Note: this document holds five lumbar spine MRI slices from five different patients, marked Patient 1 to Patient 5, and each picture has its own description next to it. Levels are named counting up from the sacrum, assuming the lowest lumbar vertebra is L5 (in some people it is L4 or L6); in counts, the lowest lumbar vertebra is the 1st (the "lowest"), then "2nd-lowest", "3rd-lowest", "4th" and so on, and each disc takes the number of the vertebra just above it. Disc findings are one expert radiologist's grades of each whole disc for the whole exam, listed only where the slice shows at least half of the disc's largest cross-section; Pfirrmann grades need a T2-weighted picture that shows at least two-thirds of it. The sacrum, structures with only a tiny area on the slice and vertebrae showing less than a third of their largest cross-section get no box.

Patient 1 of 5:
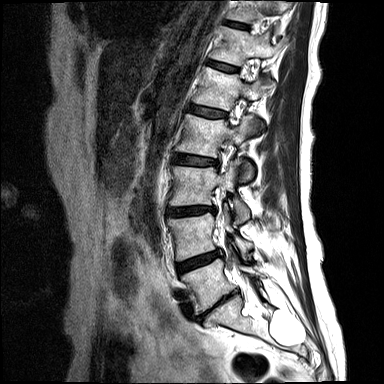

Sagittal T2-weighted lumbar spine MRI, Patient sex: F, Slice spacing 4.4 mm, Slice 11/15
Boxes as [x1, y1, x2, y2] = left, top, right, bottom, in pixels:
Segmented structures:
- intervertebral disc T12/L1 — [207, 60, 238, 71]
- L5 vertebra — [181, 259, 263, 313]
- L2 — [177, 114, 254, 184]
- L3/L4 — [168, 207, 215, 216]
- intervertebral disc L2/L3 — [173, 155, 219, 166]
- L3 vertebra — [170, 166, 250, 223]
- intervertebral disc T11/T12 — [223, 21, 249, 29]
- L4 — [168, 203, 252, 261]
- T11 — [227, 0, 286, 22]
- L5/S1 — [201, 290, 237, 316]
- intervertebral disc L1/L2 — [189, 105, 227, 117]
- T12 vertebra — [210, 26, 275, 66]
- L4/L5 — [177, 251, 219, 274]
- L1 — [193, 67, 264, 132]

Expert MSK radiologist gradings (per disc):
• L3/L4: Pfirrmann grade 4, disc bulging, disc narrowing, Modic type II
• T11/T12: Pfirrmann grade 2
• L5/S1: disc bulging, disc narrowing, Modic type II, upper-endplate change, lower-endplate change
• L2/L3: Pfirrmann grade 3, disc bulging, upper-endplate change, Modic type II
• L1/L2: Pfirrmann grade 2, Modic type II
• L4/L5: Pfirrmann grade 4, Modic type II, disc bulging
• T12/L1: Pfirrmann grade 2

Patient 2 of 5:
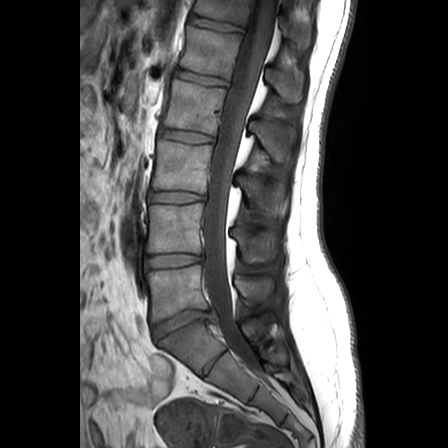
Lumbar spine MR, T1-weighted, sagittal; Slice 12 of 24; Image 448x448; Field of view 280x280 mm, slice spacing 3.3 mm

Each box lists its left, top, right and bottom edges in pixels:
L2 at left=163, top=79, right=285, bottom=159.
IVD L2/L3 at left=159, top=128, right=213, bottom=142.
IVD L3/L4 at left=150, top=192, right=205, bottom=202.
L5 at left=147, top=264, right=272, bottom=322.
L4/L5 at left=145, top=254, right=202, bottom=267.
IVD T12/L1 at left=189, top=15, right=242, bottom=31.
IVD L5/S1 at left=152, top=310, right=210, bottom=338.
T12 at left=194, top=0, right=311, bottom=47.
L1 vertebra at left=180, top=25, right=302, bottom=102.
Thecal sac / spinal canal at left=203, top=0, right=276, bottom=373.
L3 at left=152, top=139, right=276, bottom=210.
IVD L1/L2 at left=175, top=69, right=227, bottom=85.
L4 at left=147, top=203, right=273, bottom=261.

Radiological gradings:
- L5/S1: upper-endplate change, lower-endplate change, disc herniation, Modic type II
- L4/L5, T12/L1, L1/L2, L3/L4, L2/L3: no herniation, bulging, narrowing, spondylolisthesis, endplate or Modic change recorded

Patient 3 of 5:
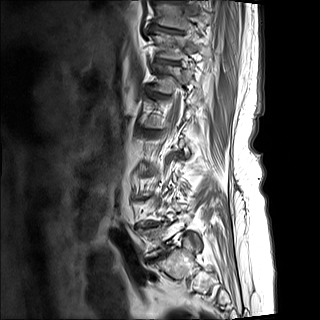 Lumbar spine MR, T1-weighted, sagittal.
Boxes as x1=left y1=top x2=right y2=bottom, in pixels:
L5 at x1=138 y1=214 x2=191 y2=255, T10 at x1=157 y1=2 x2=212 y2=29, T11 at x1=154 y1=32 x2=210 y2=59, T10/T11 at x1=153 y1=25 x2=180 y2=33.

Radiological gradings:
- T10/T11: upper-endplate change

Patient 4 of 5:
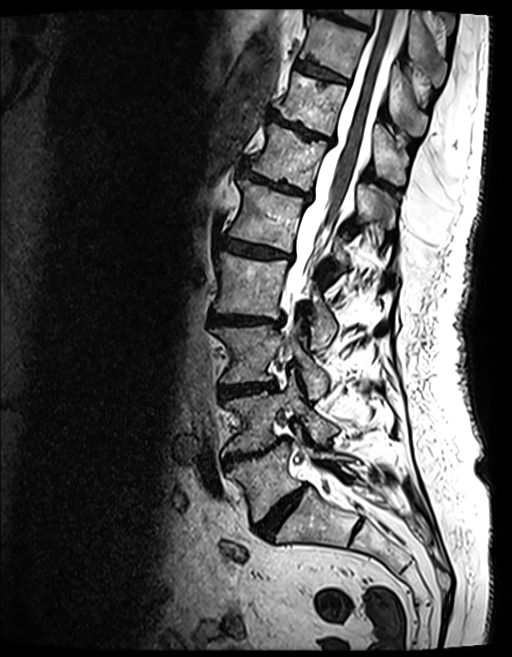
Sagittal T2 SPACE (3D) lumbar spine MRI, Sagittal slice index 65, Patient sex: F
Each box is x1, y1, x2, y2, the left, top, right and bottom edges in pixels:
Segmented structures:
• L5: 227, 443, 346, 521
• intervertebral disc L3/L4: 218, 383, 273, 396
• L4 vertebra: 223, 380, 338, 453
• T12/L1: 239, 167, 310, 200
• T9 vertebra: 330, 8, 446, 81
• T10 vertebra: 300, 15, 427, 134
• L3: 212, 324, 328, 397
• T11: 278, 72, 407, 185
• L5/S1: 256, 486, 307, 536
• intervertebral disc T9/T10: 311, 5, 368, 29
• T10/T11: 297, 61, 347, 82
• intervertebral disc L2/L3: 210, 314, 283, 326
• L1: 229, 180, 351, 264
• T11/T12: 269, 112, 333, 143
• spinal canal: 284, 8, 405, 498
• L4/L5: 223, 437, 288, 468
• L1/L2: 224, 240, 287, 259
• T12: 248, 125, 397, 227
• L2 vertebra: 214, 252, 336, 347

Per-level radiological findings:
• T9/T10: Pfirrmann grade 4, upper-endplate change, lower-endplate change, disc bulging, Modic type II
• L1/L2: Pfirrmann grade 4, disc bulging, lower-endplate change, disc narrowing, upper-endplate change, Modic type II
• T12/L1: Pfirrmann grade 4, Modic type II, upper-endplate change, disc narrowing, disc bulging, lower-endplate change
• L2/L3: Pfirrmann grade 4, upper-endplate change, disc narrowing, lower-endplate change, Modic type II, disc bulging
• T11/T12: Pfirrmann grade 5, lower-endplate change, disc bulging, upper-endplate change, Modic type II, disc narrowing
• L5/S1: Pfirrmann grade 4, disc narrowing, disc bulging
• L4/L5: upper-endplate change, disc bulging, lower-endplate change, disc narrowing, Modic type II
• L3/L4: disc narrowing, disc bulging, upper-endplate change, lower-endplate change, Modic type II
• T10/T11: Pfirrmann grade 4, upper-endplate change, Modic type II, lower-endplate change

Patient 5 of 5:
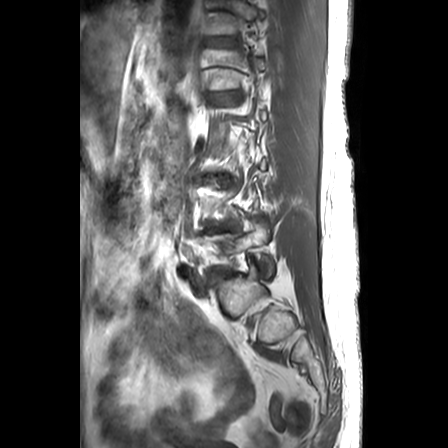

Slice 20 of 24. Lumbar spine MR, T1-weighted, sagittal.

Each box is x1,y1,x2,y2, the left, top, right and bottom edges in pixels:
L1 (5th vertebra) at 202,49,267,89; L1/L2 (5th disc) at 207,92,232,98; intervertebral disc T12/L1 (6th disc) at 204,36,236,46; L5 (lowest vertebra) at 203,223,273,277; T12 (6th vertebra) at 206,0,265,34; L5/S1 (lowest disc) at 211,272,229,280; L4/L5 (2nd-lowest disc) at 210,223,237,231.

Expert MSK radiologist gradings (per disc):
  T12/L1 (6th disc): no herniation, bulging, narrowing, spondylolisthesis, endplate or Modic change recorded